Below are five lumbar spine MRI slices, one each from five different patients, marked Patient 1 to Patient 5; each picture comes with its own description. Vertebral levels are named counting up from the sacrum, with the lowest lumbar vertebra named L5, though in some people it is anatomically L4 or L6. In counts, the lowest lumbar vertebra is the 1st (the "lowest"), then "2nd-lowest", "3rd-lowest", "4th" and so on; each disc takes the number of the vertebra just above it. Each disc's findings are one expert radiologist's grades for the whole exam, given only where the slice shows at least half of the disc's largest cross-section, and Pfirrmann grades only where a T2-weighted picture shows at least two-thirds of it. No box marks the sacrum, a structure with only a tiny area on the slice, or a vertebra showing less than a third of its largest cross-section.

Patient 1 of 5:
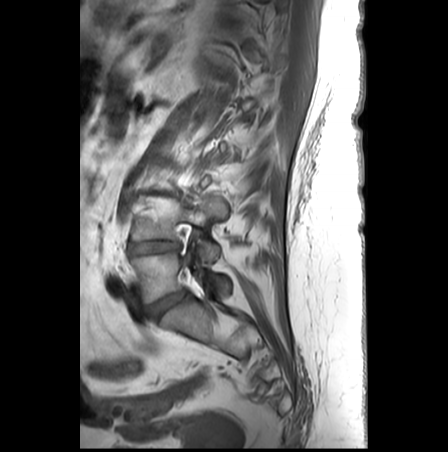
T1-weighted sagittal MRI of the lumbar spine.
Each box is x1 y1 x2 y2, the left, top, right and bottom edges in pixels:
L5 vertebra at 130 252 230 303, disc L5/S1 at 147 291 186 319, disc L4/L5 at 129 241 179 254, L4 vertebra at 131 196 227 262.

Per-level radiological findings:
• L4/L5: disc narrowing, Modic type II, disc bulging, lower-endplate change, upper-endplate change
• L5/S1: no spondylolisthesis, narrowing, bulging, herniation, Modic or endplate change recorded

Patient 2 of 5:
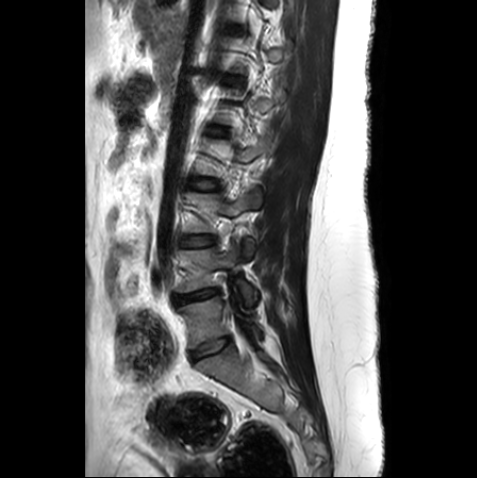 Image 477x478. Lumbar spine MR, T2-weighted, sagittal.
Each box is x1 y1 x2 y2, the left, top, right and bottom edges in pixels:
L2/L3: 190 179 215 189
L5/S1: 193 337 230 359
intervertebral disc L4/L5: 176 289 218 303
intervertebral disc L3/L4: 181 235 214 246
L4: 179 244 258 306
L5: 180 297 260 347
L3: 186 188 262 256

Per-level radiological findings:
  L4/L5: disc bulging, disc narrowing
  L5/S1, L3/L4: no herniation, bulging, narrowing, spondylolisthesis, endplate or Modic change recorded

Patient 3 of 5:
T1-weighted sagittal MRI of the lumbar spine, SIEMENS Avanto_fit (1.5T) 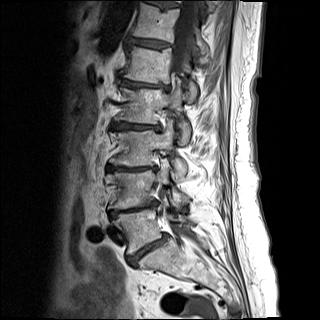

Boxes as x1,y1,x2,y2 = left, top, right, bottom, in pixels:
disc L5/S1: 128,234,167,265
disc T12/L1: 129,38,170,48
L2/L3: 112,123,158,129
L5 vertebra: 114,209,192,254
L4/L5: 111,203,156,216
L3: 109,120,187,179
L1/L2: 121,80,168,89
L2 vertebra: 115,87,190,144
L1 vertebra: 123,45,198,101
thecal sac / spinal canal: 170,0,198,225
disc L3/L4: 107,166,155,171
T11/T12: 152,2,179,7
L4 vertebra: 107,164,189,209
T12: 132,3,208,54

Per-level radiological findings:
- L5/S1: upper-endplate change, disc narrowing, disc bulging, lower-endplate change, Modic type II, spondylolisthesis
- T12/L1: disc bulging, lower-endplate change, upper-endplate change, Modic type II
- L1/L2: Modic type II, lower-endplate change, disc bulging, upper-endplate change, disc narrowing
- L2/L3: disc bulging, disc narrowing, lower-endplate change, Modic type II, upper-endplate change
- T11/T12: lower-endplate change, Modic type II, upper-endplate change, disc bulging
- L3/L4: disc narrowing, upper-endplate change, lower-endplate change, disc bulging, Modic type II
- L4/L5: upper-endplate change, disc bulging, Modic type II, disc narrowing, lower-endplate change

Patient 4 of 5:
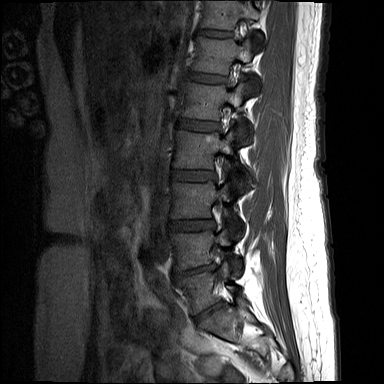 Sagittal slice index 4, Lumbar spine MR, T1-weighted, sagittal, 384x384 px
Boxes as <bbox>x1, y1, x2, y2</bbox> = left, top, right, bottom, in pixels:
{"5th vertebra": "<bbox>182, 82, 250, 119</bbox>", "lowest disc": "<bbox>194, 301, 223, 322</bbox>", "3rd-lowest vertebra": "<bbox>171, 181, 229, 218</bbox>", "5th disc": "<bbox>178, 118, 218, 131</bbox>", "6th vertebra": "<bbox>192, 37, 251, 74</bbox>", "7th disc": "<bbox>197, 29, 231, 37</bbox>", "2nd-lowest disc": "<bbox>175, 265, 214, 279</bbox>", "4th vertebra": "<bbox>173, 131, 237, 168</bbox>", "3rd-lowest disc": "<bbox>168, 219, 214, 230</bbox>", "lowest vertebra": "<bbox>179, 261, 234, 314</bbox>", "2nd-lowest vertebra": "<bbox>170, 229, 230, 269</bbox>", "6th disc": "<bbox>185, 71, 225, 83</bbox>", "7th vertebra": "<bbox>201, 0, 261, 29</bbox>", "4th disc": "<bbox>172, 170, 215, 180</bbox>"}

Degenerative findings by level:
  4th disc: disc bulging
  3rd-lowest disc: upper-endplate change, disc bulging
  7th disc, 6th disc, 5th disc: no Modic or endplate change, herniation, narrowing, bulging or spondylolisthesis recorded

Patient 5 of 5:
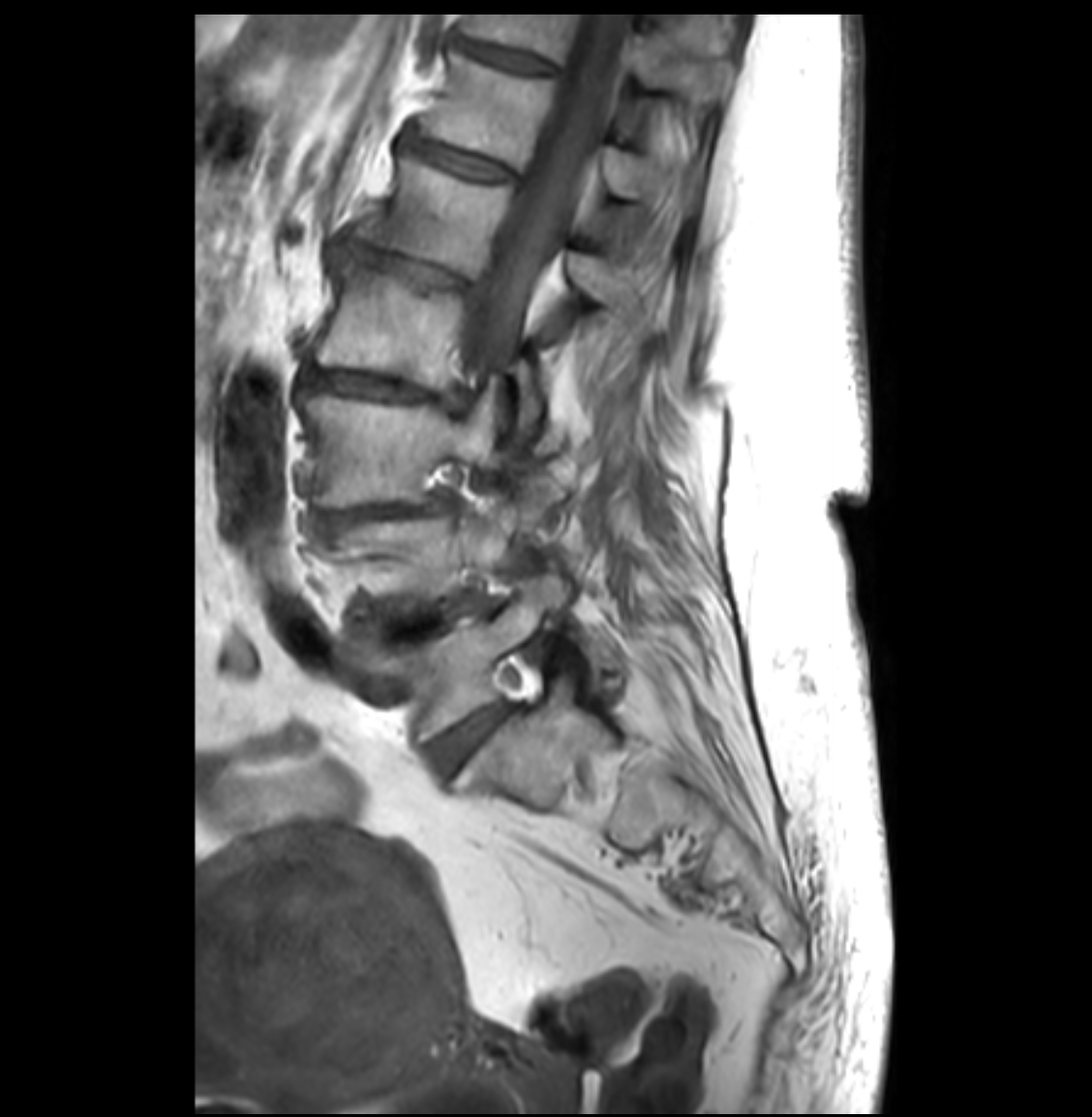 Patient sex: F, T1-weighted sagittal MRI of the lumbar spine

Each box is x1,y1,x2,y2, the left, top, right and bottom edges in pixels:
L4 (2nd-lowest vertebra) at 329,490,540,630; IVD L5/S1 (lowest disc) at 429,703,508,772; IVD T12/L1 (6th disc) at 405,134,513,180; T11 (7th vertebra) at 461,14,730,103; thecal sac / spinal canal at 466,15,625,381; L3 (3rd-lowest vertebra) at 300,394,501,508; L5 (lowest vertebra) at 371,576,567,741; L1/L2 (5th disc) at 347,244,477,292; L3/L4 (3rd-lowest disc) at 319,495,452,531; T12 (6th vertebra) at 419,51,696,207; IVD L4/L5 (2nd-lowest disc) at 356,597,474,646; IVD T11/T12 (7th disc) at 458,43,553,72; L2/L3 (4th disc) at 302,364,470,403; L2 (4th vertebra) at 312,260,543,433; L1 (5th vertebra) at 356,155,633,302.

Per-level radiological findings:
- L2/L3 (4th disc): lower-endplate change, disc bulging, disc narrowing, upper-endplate change
- T11/T12 (7th disc): disc narrowing
- T12/L1 (6th disc): disc bulging, disc narrowing
- L3/L4 (3rd-lowest disc): disc narrowing, spondylolisthesis, disc bulging
- L1/L2 (5th disc): disc narrowing, disc bulging, upper-endplate change, lower-endplate change
- L4/L5 (2nd-lowest disc): disc bulging, disc narrowing
- L5/S1 (lowest disc): no spondylolisthesis, narrowing, bulging, herniation, Modic or endplate change recorded